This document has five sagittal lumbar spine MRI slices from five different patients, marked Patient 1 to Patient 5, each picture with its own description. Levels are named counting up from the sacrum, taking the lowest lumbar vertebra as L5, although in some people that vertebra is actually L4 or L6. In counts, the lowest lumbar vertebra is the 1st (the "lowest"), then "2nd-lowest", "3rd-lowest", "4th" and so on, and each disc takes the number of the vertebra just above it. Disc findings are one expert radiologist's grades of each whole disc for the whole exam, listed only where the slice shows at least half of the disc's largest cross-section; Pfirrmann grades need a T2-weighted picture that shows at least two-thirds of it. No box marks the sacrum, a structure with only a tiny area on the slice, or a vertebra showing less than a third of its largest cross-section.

Patient 1 of 5:
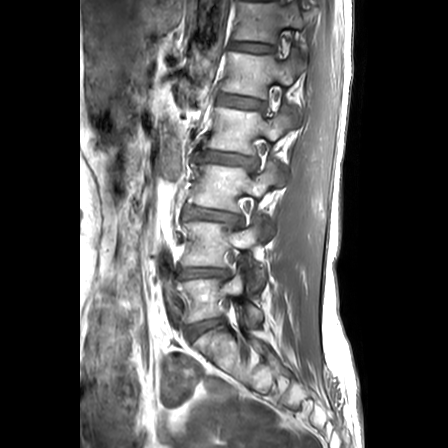 Field of view 280x280 mm, slice spacing 3.3 mm; MRI lumbar spine (T1-weighted), sagittal plane
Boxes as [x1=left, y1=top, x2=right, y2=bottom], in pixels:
T12/L1 — [x1=232, y1=42, x2=273, y2=52].
Intervertebral disc L1/L2 — [x1=218, y1=94, x2=263, y2=108].
L2/L3 — [x1=197, y1=150, x2=253, y2=166].
L3 vertebra — [x1=189, y1=162, x2=285, y2=239].
Intervertebral disc L5/S1 — [x1=189, y1=318, x2=221, y2=339].
L2 — [x1=206, y1=104, x2=301, y2=154].
L1 vertebra — [x1=221, y1=50, x2=303, y2=98].
L5 — [x1=177, y1=274, x2=262, y2=326].
Intervertebral disc L3/L4 — [x1=186, y1=208, x2=241, y2=225].
L4 vertebra — [x1=182, y1=217, x2=264, y2=292].
Intervertebral disc L4/L5 — [x1=178, y1=268, x2=227, y2=278].
T12 — [x1=234, y1=2, x2=303, y2=43].

Radiological gradings:
  L2/L3: lower-endplate change, Modic type II, upper-endplate change, disc bulging
  L3/L4: lower-endplate change, disc bulging, upper-endplate change
  L4/L5: disc herniation, upper-endplate change, lower-endplate change, disc narrowing
  L1/L2: upper-endplate change, lower-endplate change, Modic type II
  T12/L1: Modic type II

Patient 2 of 5:
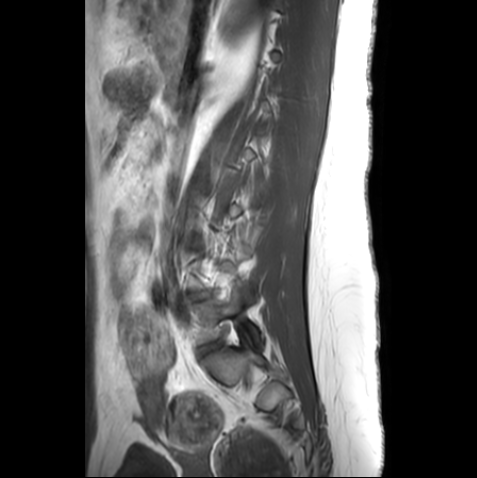 Sagittal T1-weighted lumbar spine MRI | Image 477x478

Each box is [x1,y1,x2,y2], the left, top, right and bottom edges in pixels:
Lowest disc — [201,341,222,354].
Lowest vertebra — [194,282,260,342].

Patient 3 of 5:
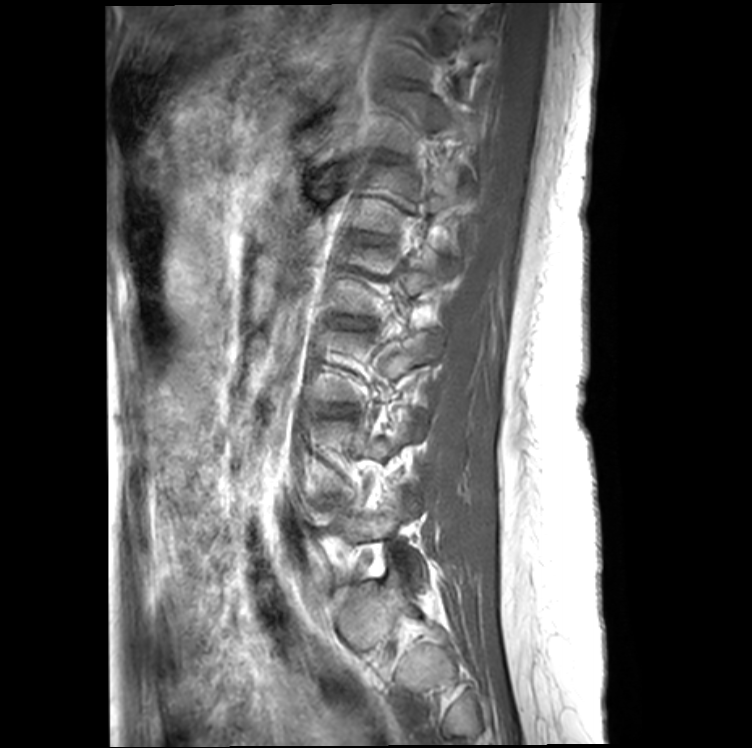 Sex F. Field of view 311x309 mm, slice spacing 4.4 mm. Lumbar spine MR, T1-weighted, sagittal.
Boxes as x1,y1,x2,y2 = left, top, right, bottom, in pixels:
L5 (lowest vertebra) at 337,495,426,585; IVD L2/L3 (4th disc) at 341,318,366,328; L3/L4 (3rd-lowest disc) at 325,407,350,415.

Patient 4 of 5:
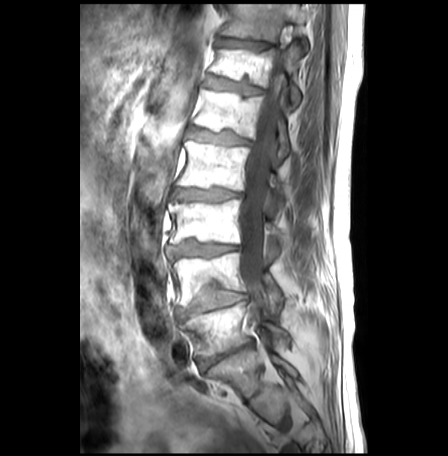 Sagittal T1-weighted lumbar spine MRI. 448x456 px.

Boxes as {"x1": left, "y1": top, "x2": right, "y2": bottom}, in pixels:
Segmented structures:
- T12 — {"x1": 209, "y1": 48, "x2": 299, "y2": 109}
- L4/L5 — {"x1": 176, "y1": 289, "x2": 248, "y2": 319}
- T11 vertebra — {"x1": 221, "y1": 4, "x2": 308, "y2": 52}
- intervertebral disc T11/T12 — {"x1": 216, "y1": 38, "x2": 270, "y2": 49}
- L5 vertebra — {"x1": 181, "y1": 302, "x2": 287, "y2": 356}
- L2/L3 — {"x1": 173, "y1": 189, "x2": 241, "y2": 202}
- T12/L1 — {"x1": 204, "y1": 76, "x2": 261, "y2": 96}
- L3 vertebra — {"x1": 168, "y1": 200, "x2": 290, "y2": 244}
- L1/L2 — {"x1": 188, "y1": 129, "x2": 247, "y2": 146}
- L4 — {"x1": 171, "y1": 253, "x2": 282, "y2": 307}
- L2 — {"x1": 175, "y1": 142, "x2": 283, "y2": 196}
- L5/S1 — {"x1": 198, "y1": 343, "x2": 252, "y2": 369}
- L1 — {"x1": 192, "y1": 91, "x2": 289, "y2": 164}
- intervertebral disc L3/L4 — {"x1": 165, "y1": 240, "x2": 238, "y2": 262}
- thecal sac / spinal canal — {"x1": 238, "y1": 57, "x2": 284, "y2": 322}

Degenerative findings by level:
• L1/L2: lower-endplate change, Modic type II, upper-endplate change, disc bulging
• L2/L3: disc bulging, Modic type II, upper-endplate change, lower-endplate change, disc narrowing
• T11/T12: Modic type II, upper-endplate change, lower-endplate change
• L3/L4: disc narrowing, disc bulging, lower-endplate change, upper-endplate change, Modic type II
• L4/L5: disc bulging, Modic type II, lower-endplate change, upper-endplate change
• L5/S1: Modic type II, disc narrowing, disc bulging
• T12/L1: Modic type II, upper-endplate change, lower-endplate change, disc bulging

Patient 5 of 5:
Sagittal slice index 36 | Field of view 240x300 mm | SIEMENS Avanto_fit (1.5T) | T2 SPACE (3D) sagittal MRI of the lumbar spine | 512x640 px 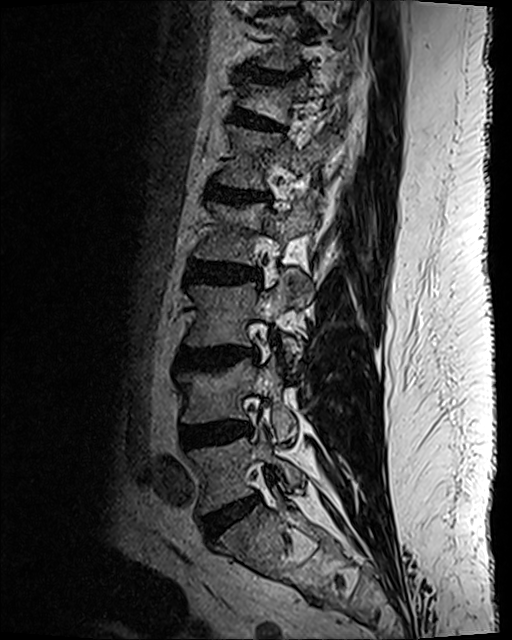 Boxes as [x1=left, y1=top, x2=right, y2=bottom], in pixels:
3rd-lowest disc at [x1=179, y1=348, x2=258, y2=367], 6th vertebra at [x1=241, y1=78, x2=308, y2=122], 4th vertebra at [x1=195, y1=200, x2=315, y2=264], lowest vertebra at [x1=191, y1=431, x2=305, y2=511], 2nd-lowest disc at [x1=181, y1=424, x2=248, y2=447], 7th vertebra at [x1=258, y1=18, x2=349, y2=69], 5th disc at [x1=208, y1=183, x2=265, y2=205], 5th vertebra at [x1=220, y1=126, x2=337, y2=189], lowest disc at [x1=202, y1=499, x2=255, y2=536], 6th disc at [x1=237, y1=114, x2=278, y2=130], 4th disc at [x1=188, y1=261, x2=260, y2=284], 7th disc at [x1=242, y1=68, x2=304, y2=82], 2nd-lowest vertebra at [x1=179, y1=357, x2=296, y2=441], 3rd-lowest vertebra at [x1=187, y1=273, x2=312, y2=370].

Expert MSK radiologist gradings (per disc):
• 5th disc: disc narrowing, lower-endplate change, upper-endplate change, disc bulging, Modic type II
• 3rd-lowest disc: disc bulging, Modic type II, lower-endplate change, upper-endplate change
• 2nd-lowest disc: Pfirrmann grade 3, disc narrowing, disc bulging
• 4th disc: Pfirrmann grade 3, disc bulging, lower-endplate change
• lowest disc: disc bulging